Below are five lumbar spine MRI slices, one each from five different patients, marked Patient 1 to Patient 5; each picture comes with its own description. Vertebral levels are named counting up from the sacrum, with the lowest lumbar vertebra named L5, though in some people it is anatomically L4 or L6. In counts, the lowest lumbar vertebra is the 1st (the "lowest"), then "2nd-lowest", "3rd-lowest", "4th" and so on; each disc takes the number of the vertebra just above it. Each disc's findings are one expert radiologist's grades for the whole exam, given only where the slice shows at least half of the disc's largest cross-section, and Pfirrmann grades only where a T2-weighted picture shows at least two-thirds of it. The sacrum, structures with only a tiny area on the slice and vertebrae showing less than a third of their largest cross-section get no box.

Patient 1 of 5:
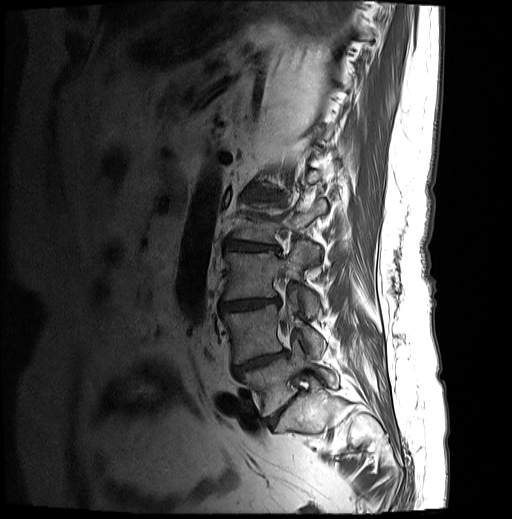 T1-weighted sagittal MRI of the lumbar spine

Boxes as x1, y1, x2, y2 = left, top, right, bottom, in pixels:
Annotations:
• L4/L5 at 232, 350, 287, 375
• L5 at 238, 343, 338, 416
• L2 vertebra at 232, 198, 326, 263
• L1/L2 at 247, 188, 278, 199
• L4 at 223, 295, 325, 364
• L3/L4 at 220, 297, 279, 311
• L2/L3 at 225, 242, 278, 251
• L3 at 223, 241, 319, 317
• L5/S1 at 265, 400, 292, 426

Expert MSK radiologist gradings (per disc):
  L4/L5: upper-endplate change, disc narrowing, lower-endplate change, Modic type II, disc bulging
  L1/L2: Modic type II, disc narrowing, upper-endplate change, disc bulging, lower-endplate change
  L3/L4: Modic type II, lower-endplate change, disc narrowing, upper-endplate change, disc bulging
  L2/L3: lower-endplate change, disc narrowing, upper-endplate change, disc bulging, Modic type II

Patient 2 of 5:
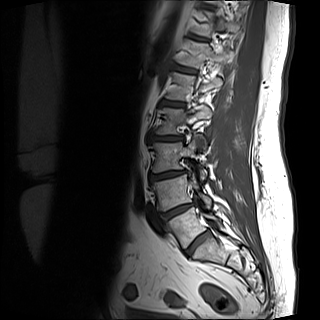

Image 320x320; Field of view 340x340 mm; MRI lumbar spine (T1-weighted), sagittal plane; Slice 11 of 15
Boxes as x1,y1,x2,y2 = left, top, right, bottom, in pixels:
7th disc at 190,34,206,40; 5th vertebra at 165,72,222,100; 3rd-lowest vertebra at 151,133,206,179; 2nd-lowest disc at 159,203,193,223; lowest disc at 183,230,208,256; 2nd-lowest vertebra at 151,174,211,211; 5th disc at 161,100,184,106; 7th vertebra at 192,10,239,36; 4th vertebra at 156,106,212,134; lowest vertebra at 166,207,220,248; 3rd-lowest disc at 149,170,185,181; 6th disc at 173,64,197,73; 6th vertebra at 177,39,233,67; 4th disc at 151,136,184,141.

Expert MSK radiologist gradings (per disc):
• 3rd-lowest disc: disc narrowing, disc bulging
• 2nd-lowest disc: disc bulging, disc narrowing
• 4th disc: disc narrowing, disc bulging
• lowest disc: lower-endplate change
• 5th disc, 6th disc: no spondylolisthesis, narrowing, bulging, herniation, Modic or endplate change recorded

Patient 3 of 5:
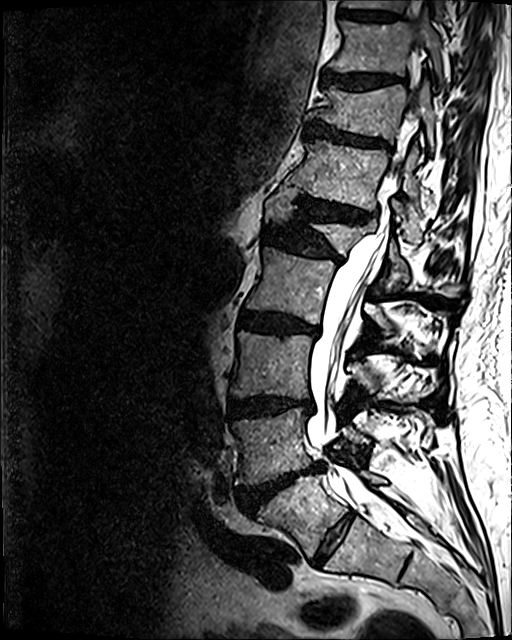

Lumbar spine MR, T2 SPACE (3D), sagittal

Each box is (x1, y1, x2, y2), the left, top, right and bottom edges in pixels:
Intervertebral disc L1/L2 at (264, 225, 342, 261).
L5 at (261, 471, 385, 556).
L3/L4 at (229, 396, 313, 418).
Intervertebral disc T12/L1 at (296, 197, 371, 220).
L2 at (246, 247, 416, 334).
Intervertebral disc T10/T11 at (321, 72, 400, 89).
T12 vertebra at (287, 139, 427, 241).
Spinal canal at (307, 35, 438, 549).
Intervertebral disc T11/T12 at (306, 123, 387, 146).
L3 vertebra at (230, 332, 417, 398).
Intervertebral disc L2/L3 at (239, 311, 318, 334).
Intervertebral disc L5/S1 at (312, 512, 355, 565).
T11 vertebra at (306, 83, 434, 151).
T9/T10 at (339, 9, 397, 21).
L1 at (265, 186, 461, 296).
Intervertebral disc L4/L5 at (241, 463, 323, 511).
L4 vertebra at (232, 408, 370, 485).
T10 at (329, 15, 444, 86).

Expert MSK radiologist gradings (per disc):
• L1/L2: Pfirrmann grade 4, disc narrowing, lower-endplate change, disc bulging, upper-endplate change
• T12/L1: Pfirrmann grade 4, disc narrowing, lower-endplate change, disc bulging, upper-endplate change
• L4/L5: Pfirrmann grade 5, upper-endplate change, Modic type II, lower-endplate change, disc bulging, disc narrowing, disc herniation
• L2/L3: Pfirrmann grade 4, lower-endplate change, upper-endplate change, disc bulging, disc narrowing, Modic type II
• L5/S1: Pfirrmann grade 2
• L3/L4: Pfirrmann grade 4, upper-endplate change, disc bulging, disc narrowing, lower-endplate change
• T11/T12: Pfirrmann grade 4, disc bulging, disc narrowing, upper-endplate change, lower-endplate change
• T10/T11: Pfirrmann grade 4, lower-endplate change, disc bulging, upper-endplate change
• T9/T10: Pfirrmann grade 3, lower-endplate change

Patient 4 of 5:
T1-weighted sagittal MRI of the lumbar spine. Field of view 280x280 mm, slice spacing 4.8 mm. 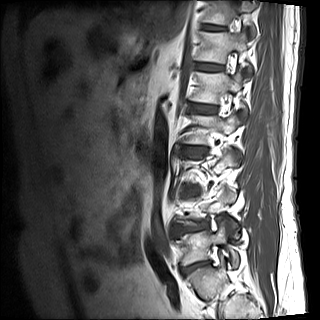
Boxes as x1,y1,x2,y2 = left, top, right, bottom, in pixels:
Lowest vertebra at 176,215,238,267; 5th disc at 190,104,215,113; 6th disc at 196,63,222,71; 6th vertebra at 196,31,252,73; 7th vertebra at 204,0,255,33; 4th disc at 186,147,204,154; 5th vertebra at 191,71,248,115; 7th disc at 203,25,224,31; lowest disc at 183,261,208,274; 4th vertebra at 184,112,238,144; 2nd-lowest disc at 176,225,206,234.

Per-level radiological findings:
- 6th disc, 7th disc, 5th disc: no herniation, bulging, narrowing, spondylolisthesis, endplate or Modic change recorded

Patient 5 of 5:
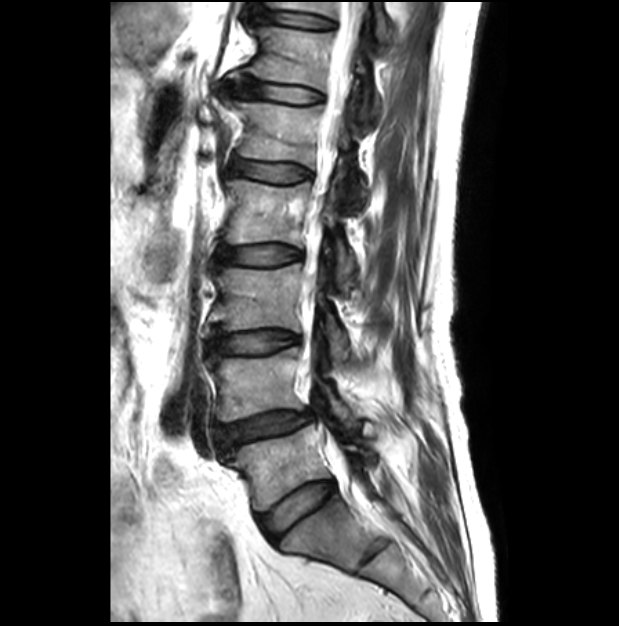 Patient sex: M | 619x626 px | MRI lumbar spine (T2-weighted), sagittal plane | Sagittal slice index 11
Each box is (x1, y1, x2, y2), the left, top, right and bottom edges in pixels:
Annotations:
• 3rd-lowest disc = (210, 330, 297, 358)
• 7th disc = (258, 10, 333, 28)
• 4th disc = (217, 245, 300, 266)
• 2nd-lowest vertebra = (210, 328, 355, 426)
• 4th vertebra = (226, 180, 354, 292)
• 7th vertebra = (268, 2, 388, 40)
• 5th disc = (231, 160, 311, 182)
• lowest disc = (260, 480, 335, 540)
• lowest vertebra = (231, 424, 375, 510)
• 2nd-lowest disc = (220, 411, 312, 446)
• 6th vertebra = (250, 9, 379, 121)
• spinal canal = (307, 0, 365, 293)
• 5th vertebra = (235, 102, 364, 211)
• 6th disc = (235, 76, 321, 102)
• 3rd-lowest vertebra = (209, 264, 348, 363)

Expert MSK radiologist gradings (per disc):
- 7th disc: Pfirrmann grade 1
- lowest disc: Pfirrmann grade 2
- 2nd-lowest disc: Pfirrmann grade 3, upper-endplate change, disc narrowing, spondylolisthesis, disc bulging, lower-endplate change
- 4th disc: Pfirrmann grade 1
- 3rd-lowest disc: Pfirrmann grade 1
- 6th disc: Pfirrmann grade 1
- 5th disc: no Modic or endplate change, herniation, narrowing, bulging or spondylolisthesis recorded